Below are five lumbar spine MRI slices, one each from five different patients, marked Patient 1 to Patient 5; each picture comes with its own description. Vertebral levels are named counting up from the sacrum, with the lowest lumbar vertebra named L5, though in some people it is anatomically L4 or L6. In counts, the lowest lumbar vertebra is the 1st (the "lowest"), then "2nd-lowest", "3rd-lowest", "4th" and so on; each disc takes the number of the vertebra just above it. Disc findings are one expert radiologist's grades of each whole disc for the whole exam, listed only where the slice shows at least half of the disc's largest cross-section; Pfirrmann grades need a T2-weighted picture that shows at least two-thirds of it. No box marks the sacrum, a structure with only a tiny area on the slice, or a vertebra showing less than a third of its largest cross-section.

Patient 1 of 5:
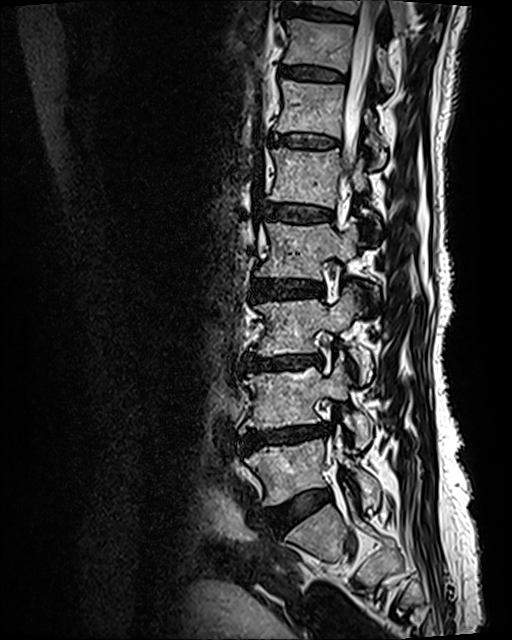 Sagittal T2 SPACE (3D) lumbar spine MRI | Image 512x640

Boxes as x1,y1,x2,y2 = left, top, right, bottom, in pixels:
L1/L2 (5th disc): 264,203,332,221 | T11 (7th vertebra): 283,19,394,92 | spinal canal: 340,0,384,192 | L3 (3rd-lowest vertebra): 255,287,373,382 | T12 (6th vertebra): 273,79,385,166 | T10 (8th vertebra): 295,0,403,28 | L2/L3 (4th disc): 251,280,323,299 | disc T11/T12 (7th disc): 281,68,344,80 | L2 (4th vertebra): 256,218,378,300 | L1 (5th vertebra): 269,147,379,232 | disc L3/L4 (3rd-lowest disc): 244,354,321,370 | L5 (lowest vertebra): 245,434,379,505 | L5/S1 (lowest disc): 275,489,331,527 | L4/L5 (2nd-lowest disc): 243,424,331,450 | L4 (2nd-lowest vertebra): 240,359,373,449 | disc T12/L1 (6th disc): 275,134,337,148 | disc T10/T11 (8th disc): 288,7,352,21

Expert MSK radiologist gradings (per disc):
• T10/T11 (8th disc): Pfirrmann grade 2, upper-endplate change, lower-endplate change
• L1/L2 (5th disc): Pfirrmann grade 3, Modic type II, upper-endplate change, lower-endplate change
• L3/L4 (3rd-lowest disc): lower-endplate change, Modic type II, upper-endplate change, disc bulging, disc narrowing
• T11/T12 (7th disc): Pfirrmann grade 2, lower-endplate change, upper-endplate change, Modic type II
• L4/L5 (2nd-lowest disc): Pfirrmann grade 4, upper-endplate change, lower-endplate change, Modic type II, disc narrowing, disc bulging
• L5/S1 (lowest disc): Pfirrmann grade 2, disc bulging
• L2/L3 (4th disc): Pfirrmann grade 3, disc bulging, Modic type II, lower-endplate change, upper-endplate change
• T12/L1 (6th disc): Pfirrmann grade 2, Modic type II, lower-endplate change, upper-endplate change

Patient 2 of 5:
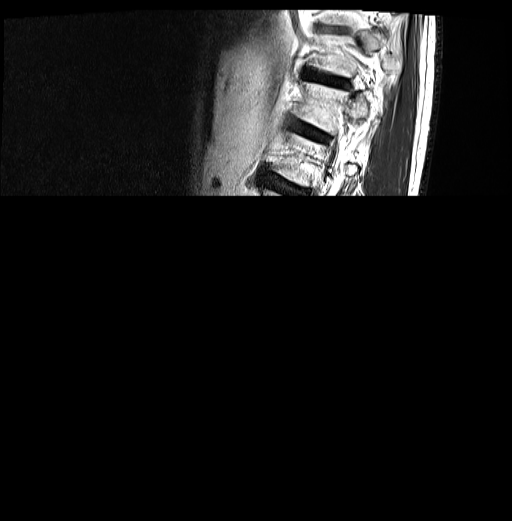 Sex M | Sagittal T2-weighted lumbar spine MRI
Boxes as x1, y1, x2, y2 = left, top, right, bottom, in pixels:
Intervertebral disc T12/L1: 294, 122, 325, 140.
Intervertebral disc T11/T12: 304, 70, 346, 86.
T12: 295, 82, 347, 132.

Degenerative findings by level:
- T11/T12: Pfirrmann grade 4, upper-endplate change, lower-endplate change, disc bulging

Patient 3 of 5:
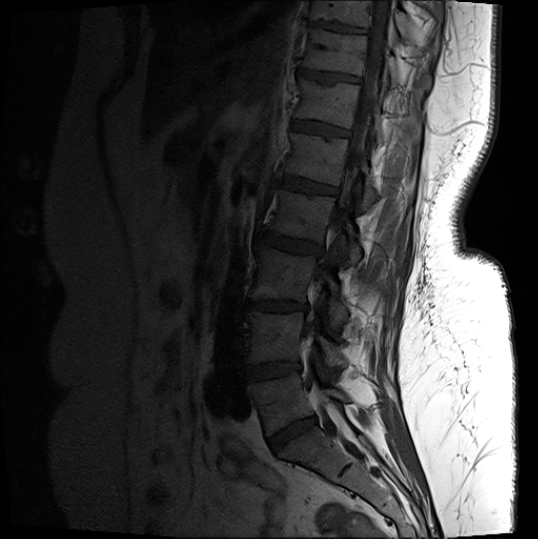 Slice 7/18 | Lumbar spine MR, T1-weighted, sagittal

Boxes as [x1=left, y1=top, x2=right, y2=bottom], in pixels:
7th disc at [x1=298, y1=69, x2=359, y2=83].
2nd-lowest vertebra at [x1=247, y1=312, x2=346, y2=367].
5th vertebra at [x1=286, y1=133, x2=377, y2=210].
3rd-lowest vertebra at [x1=251, y1=246, x2=347, y2=327].
5th disc at [x1=282, y1=176, x2=337, y2=195].
8th vertebra at [x1=310, y1=1, x2=412, y2=39].
6th vertebra at [x1=296, y1=79, x2=387, y2=142].
Spinal canal at [x1=306, y1=1, x2=392, y2=435].
3rd-lowest disc at [x1=248, y1=301, x2=307, y2=311].
4th disc at [x1=258, y1=230, x2=322, y2=256].
Lowest disc at [x1=268, y1=417, x2=316, y2=451].
8th disc at [x1=309, y1=21, x2=366, y2=33].
4th vertebra at [x1=268, y1=190, x2=361, y2=265].
7th vertebra at [x1=303, y1=30, x2=429, y2=89].
Lowest vertebra at [x1=246, y1=373, x2=349, y2=435].
6th disc at [x1=291, y1=121, x2=348, y2=137].
2nd-lowest disc at [x1=245, y1=362, x2=300, y2=380].

Degenerative findings by level:
  2nd-lowest disc: Modic type II, lower-endplate change, disc bulging
  8th disc: lower-endplate change, upper-endplate change
  5th disc: upper-endplate change, lower-endplate change, Modic type II
  lowest disc: disc narrowing, disc bulging
  4th disc: lower-endplate change, disc bulging, upper-endplate change
  3rd-lowest disc: upper-endplate change, lower-endplate change, disc bulging, disc narrowing, Modic type II
  7th disc: upper-endplate change
  6th disc: lower-endplate change, upper-endplate change

Patient 4 of 5:
Slice 45/120, MRI lumbar spine (T2 SPACE (3D)), sagittal plane 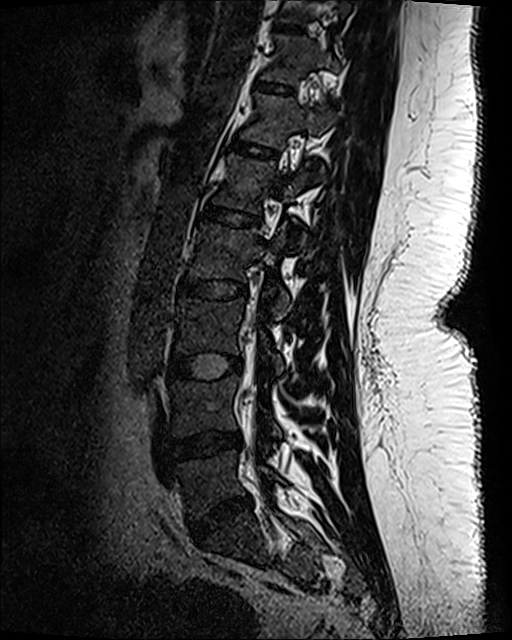
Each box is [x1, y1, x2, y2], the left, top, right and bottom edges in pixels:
5th disc at [198, 202, 262, 228], 6th vertebra at [241, 94, 334, 171], 2nd-lowest vertebra at [170, 376, 282, 437], 4th vertebra at [190, 222, 291, 316], 3rd-lowest disc at [169, 354, 241, 379], 5th vertebra at [212, 154, 313, 239], 3rd-lowest vertebra at [176, 299, 284, 373], 2nd-lowest disc at [171, 431, 240, 459], 7th vertebra at [261, 36, 338, 83], spinal canal at [245, 332, 255, 410], 4th disc at [178, 277, 248, 300], lowest vertebra at [178, 451, 281, 519], 7th disc at [255, 80, 292, 95], 6th disc at [229, 137, 278, 161], lowest disc at [189, 497, 251, 538], 8th disc at [279, 25, 302, 34].

Expert MSK radiologist gradings (per disc):
• 3rd-lowest disc: Pfirrmann grade 1
• 4th disc: Pfirrmann grade 1
• lowest disc: Pfirrmann grade 4, disc narrowing, disc bulging
• 2nd-lowest disc: Pfirrmann grade 3, disc narrowing, disc bulging
• 6th disc: Pfirrmann grade 1
• 5th disc: Pfirrmann grade 1
• 7th disc: no Modic or endplate change, herniation, narrowing, bulging or spondylolisthesis recorded

Patient 5 of 5:
Patient sex: F. Slice 10 of 21. Scanner: Philips Medical Systems Ingenia (1.5T). Lumbar spine MR, T1-weighted, sagittal. 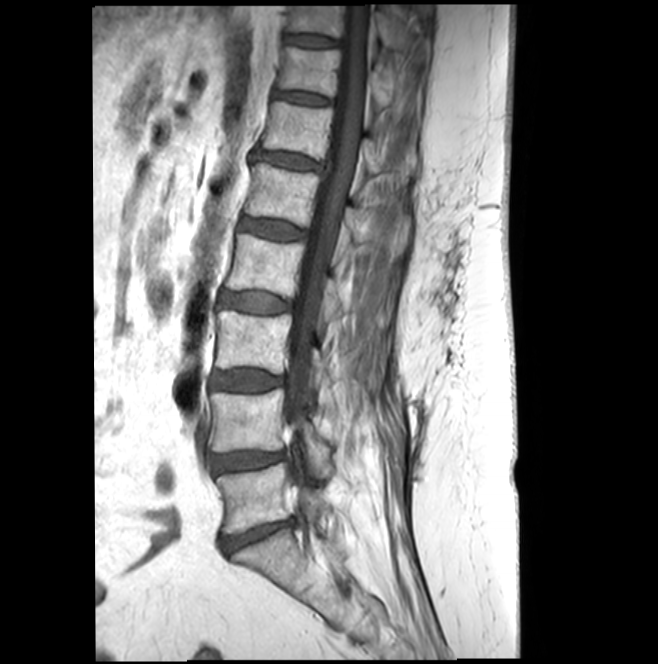

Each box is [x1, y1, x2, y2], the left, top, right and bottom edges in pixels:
Annotations:
- L4/L5 (2nd-lowest disc) at [210, 452, 283, 473]
- T10 (8th vertebra) at [287, 4, 418, 50]
- IVD L5/S1 (lowest disc) at [220, 519, 294, 552]
- T11/T12 (7th disc) at [275, 91, 331, 105]
- L1 (5th vertebra) at [244, 164, 409, 252]
- IVD T10/T11 (8th disc) at [284, 34, 341, 47]
- L2 (4th vertebra) at [225, 233, 348, 322]
- L5 (lowest vertebra) at [216, 462, 331, 533]
- L3 (3rd-lowest vertebra) at [215, 311, 333, 391]
- L2/L3 (4th disc) at [221, 291, 291, 313]
- IVD L3/L4 (3rd-lowest disc) at [211, 370, 282, 391]
- L4 (2nd-lowest vertebra) at [211, 388, 332, 478]
- IVD T12/L1 (6th disc) at [254, 150, 322, 170]
- IVD L1/L2 (5th disc) at [238, 217, 307, 240]
- thecal sac / spinal canal at [286, 4, 369, 476]
- T11 (7th vertebra) at [278, 46, 391, 108]
- T12 (6th vertebra) at [262, 101, 414, 183]

Radiological gradings:
  L4/L5 (2nd-lowest disc): disc narrowing
  L5/S1 (lowest disc): disc narrowing, disc bulging, Modic type II
  T12/L1 (6th disc): disc bulging
  L3/L4 (3rd-lowest disc): Modic type II
  L1/L2 (5th disc), T11/T12 (7th disc), T10/T11 (8th disc), L2/L3 (4th disc): no spondylolisthesis, narrowing, bulging, herniation, Modic or endplate change recorded